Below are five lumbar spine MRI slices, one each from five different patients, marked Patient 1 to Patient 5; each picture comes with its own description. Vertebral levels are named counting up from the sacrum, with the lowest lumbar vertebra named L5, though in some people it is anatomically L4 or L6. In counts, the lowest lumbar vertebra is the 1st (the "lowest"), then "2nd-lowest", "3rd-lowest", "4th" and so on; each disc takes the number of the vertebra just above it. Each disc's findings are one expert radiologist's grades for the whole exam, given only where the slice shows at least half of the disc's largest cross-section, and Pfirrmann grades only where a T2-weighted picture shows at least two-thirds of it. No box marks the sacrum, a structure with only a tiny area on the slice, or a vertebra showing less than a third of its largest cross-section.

Patient 1 of 5:
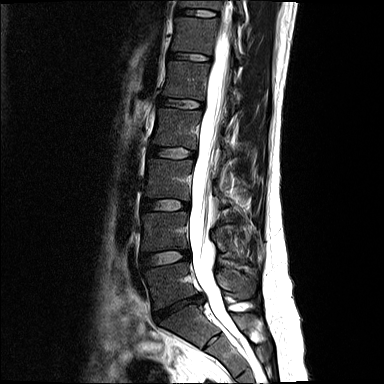

Slice spacing 4.8 mm, Sagittal T2-weighted lumbar spine MRI, Sagittal slice index 6, Image 384x384

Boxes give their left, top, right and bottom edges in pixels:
L3 at left=145, top=159, right=228, bottom=205; intervertebral disc L3/L4 at left=143, top=199, right=189, bottom=210; L5/S1 at left=154, top=295, right=203, bottom=320; L1/L2 at left=159, top=97, right=202, bottom=108; T12 vertebra at left=172, top=17, right=241, bottom=62; L5 at left=145, top=262, right=255, bottom=309; intervertebral disc L2/L3 at left=149, top=145, right=194, bottom=158; T12/L1 at left=168, top=52, right=208, bottom=60; T11 at left=179, top=0, right=243, bottom=19; intervertebral disc T11/T12 at left=176, top=9, right=215, bottom=16; L4/L5 at left=141, top=251, right=190, bottom=268; L1 vertebra at left=163, top=61, right=237, bottom=112; L4 at left=142, top=212, right=248, bottom=258; L2 at left=153, top=108, right=232, bottom=156; thecal sac / spinal canal at left=189, top=20, right=237, bottom=338.

Per-level radiological findings:
• L3/L4: Pfirrmann grade 2
• T12/L1: Pfirrmann grade 2
• L4/L5: Pfirrmann grade 2, disc bulging
• L5/S1: Pfirrmann grade 5, disc herniation, disc narrowing
• T11/T12: Pfirrmann grade 2
• L2/L3: Pfirrmann grade 2
• L1/L2: Pfirrmann grade 2

Patient 2 of 5:
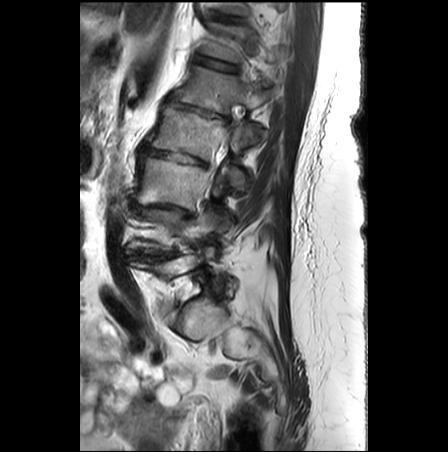 448x452 px | Lumbar spine MR, T2-weighted, sagittal

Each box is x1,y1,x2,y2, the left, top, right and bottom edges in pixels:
3rd-lowest disc: 146,205,186,214
5th disc: 167,97,228,117
3rd-lowest vertebra: 137,158,221,209
4th disc: 140,145,209,166
2nd-lowest disc: 136,252,163,262
6th vertebra: 201,23,274,62
5th vertebra: 174,66,274,113
2nd-lowest vertebra: 131,209,217,252
6th disc: 197,57,238,71
4th vertebra: 146,107,266,189

Degenerative findings by level:
- 6th disc: upper-endplate change, lower-endplate change, Modic type II
- 4th disc: Pfirrmann grade 5, lower-endplate change, upper-endplate change, disc bulging, disc narrowing, Modic type II
- 3rd-lowest disc: Modic type II, lower-endplate change, disc bulging, upper-endplate change, disc narrowing
- 5th disc: Modic type II, spondylolisthesis, disc bulging, disc narrowing, lower-endplate change, upper-endplate change

Patient 3 of 5:
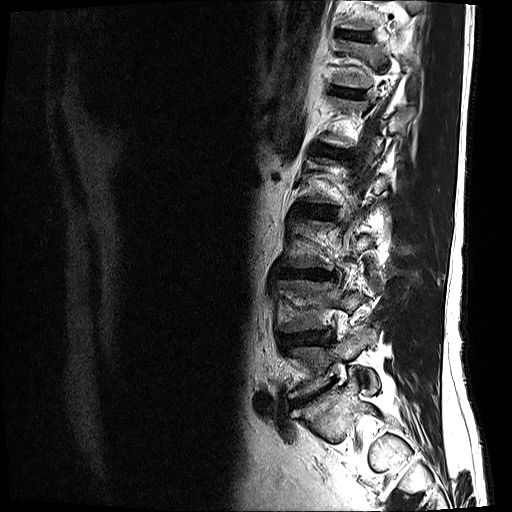 512x512 px; Patient sex: M; MRI lumbar spine (T2-weighted), sagittal plane

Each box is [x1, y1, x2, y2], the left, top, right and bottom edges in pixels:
T12: [332, 40, 413, 87].
Intervertebral disc L5/S1: [290, 386, 330, 406].
T11/T12: [336, 30, 371, 40].
Intervertebral disc L4/L5: [281, 331, 333, 346].
L1/L2: [313, 144, 345, 157].
T12/L1: [330, 87, 364, 97].
L2/L3: [303, 205, 334, 218].
L4: [277, 279, 381, 332].
L3/L4: [279, 268, 334, 279].
L5: [288, 325, 379, 398].

Radiological gradings:
  L4/L5: disc narrowing, disc bulging
  L3/L4: Pfirrmann grade 4, disc narrowing, disc bulging, lower-endplate change
  T11/T12: no herniation, bulging, narrowing, spondylolisthesis, endplate or Modic change recorded

Patient 4 of 5:
Sagittal T2 SPACE (3D) lumbar spine MRI, SIEMENS Avanto_fit (1.5T), 512x640 px, Patient sex: M, Slice 70/120
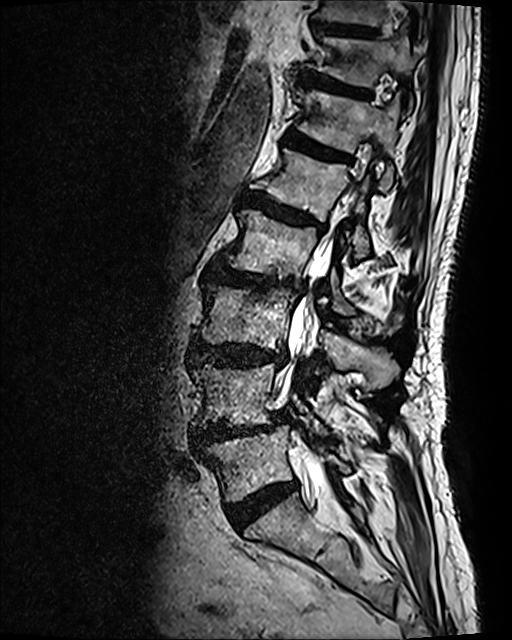 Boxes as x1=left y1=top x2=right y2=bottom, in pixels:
T12 (6th vertebra) — x1=293 y1=88 x2=398 y2=190 | L3/L4 (3rd-lowest disc) — x1=189 y1=340 x2=285 y2=367 | T11 (7th vertebra) — x1=310 y1=37 x2=416 y2=108 | L3 (3rd-lowest vertebra) — x1=197 y1=283 x2=399 y2=389 | L5 (lowest vertebra) — x1=205 y1=425 x2=350 y2=501 | spinal canal — x1=277 y1=193 x2=350 y2=517 | T12/L1 (6th disc) — x1=286 y1=132 x2=344 y2=159 | disc L1/L2 (5th disc) — x1=243 y1=191 x2=318 y2=226 | L4/L5 (2nd-lowest disc) — x1=190 y1=412 x2=287 y2=450 | T11/T12 (7th disc) — x1=296 y1=69 x2=367 y2=96 | L5/S1 (lowest disc) — x1=227 y1=479 x2=298 y2=529 | L4 (2nd-lowest vertebra) — x1=193 y1=363 x2=328 y2=434 | L2/L3 (4th disc) — x1=214 y1=261 x2=300 y2=291 | L1 (5th vertebra) — x1=265 y1=150 x2=368 y2=257 | L2 (4th vertebra) — x1=226 y1=209 x2=405 y2=334 | T10/T11 (8th disc) — x1=311 y1=22 x2=377 y2=38 | T10 (8th vertebra) — x1=312 y1=0 x2=386 y2=26

Expert MSK radiologist gradings (per disc):
  L3/L4 (3rd-lowest disc): Pfirrmann grade 4, lower-endplate change, disc bulging, upper-endplate change
  L2/L3 (4th disc): Pfirrmann grade 4, disc narrowing, disc bulging, lower-endplate change, upper-endplate change, Modic type I
  L4/L5 (2nd-lowest disc): disc bulging, Modic type II, disc herniation, lower-endplate change, upper-endplate change, disc narrowing, spondylolisthesis
  T10/T11 (8th disc): Pfirrmann grade 3
  L1/L2 (5th disc): Pfirrmann grade 4, upper-endplate change, Modic type II, disc bulging, lower-endplate change
  T11/T12 (7th disc): Pfirrmann grade 4, upper-endplate change, lower-endplate change, disc bulging
  T12/L1 (6th disc): upper-endplate change, Modic type II, lower-endplate change, disc bulging
  L5/S1 (lowest disc): Pfirrmann grade 4

Patient 5 of 5:
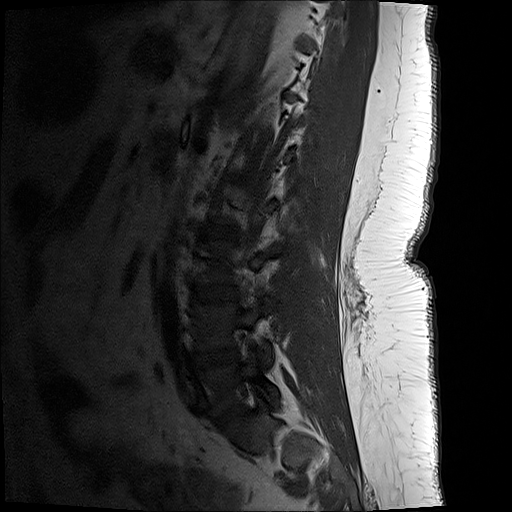
Sagittal T1-weighted lumbar spine MRI
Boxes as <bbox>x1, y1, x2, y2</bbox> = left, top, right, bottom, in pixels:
- IVD L5/S1: <bbox>216, 402, 243, 422</bbox>
- L3: <bbox>199, 239, 283, 283</bbox>
- IVD L4/L5: <bbox>195, 348, 239, 369</bbox>
- L3/L4: <bbox>194, 284, 239, 301</bbox>
- L5: <bbox>200, 351, 279, 412</bbox>
- L2/L3: <bbox>202, 222, 239, 239</bbox>
- L4: <bbox>195, 297, 274, 361</bbox>

Radiological gradings:
  L4/L5: disc narrowing, disc bulging
  L3/L4: no herniation, bulging, narrowing, spondylolisthesis, endplate or Modic change recorded